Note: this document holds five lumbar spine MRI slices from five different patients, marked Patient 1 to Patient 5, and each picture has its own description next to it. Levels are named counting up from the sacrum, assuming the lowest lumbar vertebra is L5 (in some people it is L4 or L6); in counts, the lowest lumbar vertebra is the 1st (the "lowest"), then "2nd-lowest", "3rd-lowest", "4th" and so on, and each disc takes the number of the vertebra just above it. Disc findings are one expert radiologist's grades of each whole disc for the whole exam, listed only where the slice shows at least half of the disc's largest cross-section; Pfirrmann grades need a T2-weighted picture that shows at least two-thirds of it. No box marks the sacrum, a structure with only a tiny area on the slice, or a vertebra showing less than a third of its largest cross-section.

Patient 1 of 5:
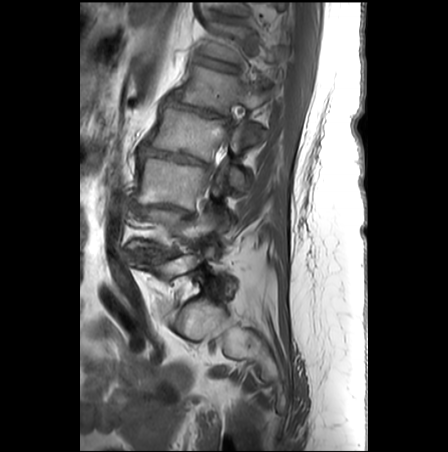

Slice 8/28. Field of view 280x283 mm. MRI lumbar spine (T1-weighted), sagittal plane.
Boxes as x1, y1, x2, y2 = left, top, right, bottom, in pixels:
IVD L4/L5 (2nd-lowest disc): 136, 252, 163, 262
L1 (5th vertebra): 174, 66, 274, 113
L2 (4th vertebra): 146, 107, 266, 189
L3/L4 (3rd-lowest disc): 146, 205, 186, 214
IVD L2/L3 (4th disc): 140, 145, 209, 166
L4 (2nd-lowest vertebra): 131, 209, 217, 252
L3 (3rd-lowest vertebra): 137, 158, 221, 209
T12 (6th vertebra): 201, 23, 274, 62
T12/L1 (6th disc): 197, 57, 238, 71
IVD L1/L2 (5th disc): 167, 97, 228, 117

Expert MSK radiologist gradings (per disc):
  L1/L2 (5th disc): lower-endplate change, upper-endplate change, disc bulging, disc narrowing, Modic type II, spondylolisthesis
  T12/L1 (6th disc): lower-endplate change, upper-endplate change, Modic type II
  L2/L3 (4th disc): Modic type II, disc narrowing, lower-endplate change, upper-endplate change, disc bulging
  L3/L4 (3rd-lowest disc): lower-endplate change, disc bulging, upper-endplate change, Modic type II, disc narrowing

Patient 2 of 5:
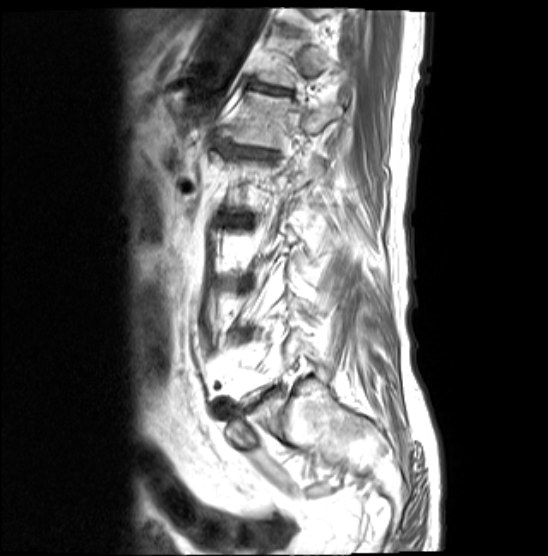 Slice spacing 4.8 mm; Sagittal T1-weighted lumbar spine MRI; 548x556 px; Slice 15 of 19

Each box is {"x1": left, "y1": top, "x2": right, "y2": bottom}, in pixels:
Structures:
• disc T12/L1: {"x1": 250, "y1": 83, "x2": 287, "y2": 93}
• L1 vertebra: {"x1": 230, "y1": 92, "x2": 342, "y2": 148}
• disc L1/L2: {"x1": 243, "y1": 150, "x2": 268, "y2": 157}

Patient 3 of 5:
Lumbar spine MR, T1-weighted, sagittal. Image 448x448.

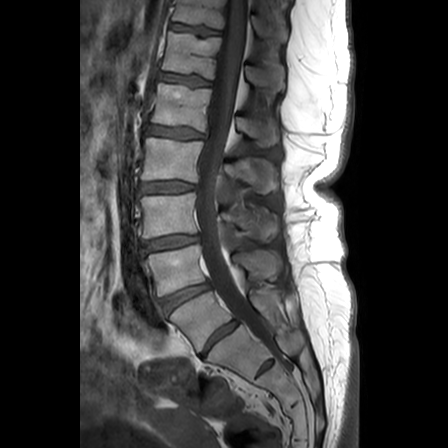
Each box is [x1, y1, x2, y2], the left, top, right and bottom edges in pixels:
Segmented structures:
- L5: [170, 291, 280, 351]
- T11/T12: [171, 24, 220, 36]
- L2: [142, 138, 278, 193]
- disc L5/S1: [201, 321, 237, 357]
- L4/L5: [162, 283, 209, 312]
- L3/L4: [142, 235, 199, 251]
- T11 vertebra: [173, 0, 287, 42]
- L2/L3: [140, 181, 196, 192]
- L3 vertebra: [140, 193, 278, 240]
- T12: [162, 32, 285, 93]
- thecal sac / spinal canal: [195, 0, 268, 344]
- T12/L1: [159, 73, 210, 85]
- disc L1/L2: [147, 125, 203, 138]
- L1 vertebra: [151, 83, 280, 146]
- L4: [146, 245, 281, 296]

Per-level radiological findings:
  T12/L1: lower-endplate change, upper-endplate change
  L4/L5: disc bulging, disc narrowing
  L2/L3: upper-endplate change, disc bulging, lower-endplate change
  L3/L4: upper-endplate change, lower-endplate change, disc bulging
  L1/L2: upper-endplate change, lower-endplate change, disc bulging
  T11/T12: lower-endplate change, upper-endplate change
  L5/S1: no Modic or endplate change, herniation, narrowing, bulging or spondylolisthesis recorded

Patient 4 of 5:
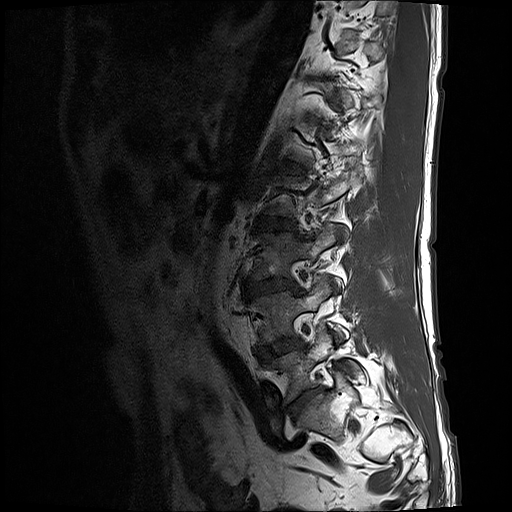 Sagittal slice index 2 | Sex M | Sagittal T1-weighted lumbar spine MRI

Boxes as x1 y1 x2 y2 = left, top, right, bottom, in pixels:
2nd-lowest disc at 258 337 305 362, 2nd-lowest vertebra at 251 275 342 344, 4th disc at 254 216 295 231, 5th disc at 280 162 305 173, lowest disc at 288 389 319 418, lowest vertebra at 265 327 358 405, 3rd-lowest disc at 244 277 298 294, 3rd-lowest vertebra at 253 223 335 278.

Radiological gradings:
• 2nd-lowest disc: disc bulging, Modic type II
• 4th disc: disc bulging, Modic type II
• 3rd-lowest disc: disc narrowing, Modic type II, disc bulging

Patient 5 of 5:
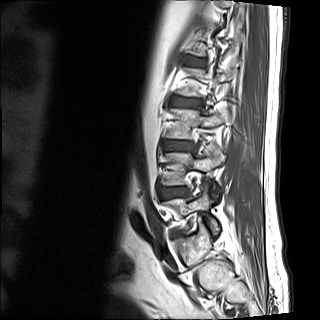 Field of view 280x280 mm. Slice 3/15. Lumbar spine MR, T1-weighted, sagittal. 320x320 px. Sex M.
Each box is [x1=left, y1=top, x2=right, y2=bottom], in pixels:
3rd-lowest disc at [x1=164, y1=141, x2=191, y2=150], 3rd-lowest vertebra at [x1=167, y1=109, x2=227, y2=139], lowest vertebra at [x1=164, y1=183, x2=219, y2=235], 5th disc at [x1=190, y1=58, x2=202, y2=65], 4th disc at [x1=172, y1=97, x2=199, y2=107], 2nd-lowest vertebra at [x1=163, y1=146, x2=225, y2=185], 2nd-lowest disc at [x1=161, y1=188, x2=186, y2=198].

Expert MSK radiologist gradings (per disc):
  2nd-lowest disc: disc bulging, upper-endplate change, lower-endplate change
  4th disc: disc bulging, lower-endplate change, upper-endplate change, Modic type II
  3rd-lowest disc: no spondylolisthesis, narrowing, bulging, herniation, Modic or endplate change recorded